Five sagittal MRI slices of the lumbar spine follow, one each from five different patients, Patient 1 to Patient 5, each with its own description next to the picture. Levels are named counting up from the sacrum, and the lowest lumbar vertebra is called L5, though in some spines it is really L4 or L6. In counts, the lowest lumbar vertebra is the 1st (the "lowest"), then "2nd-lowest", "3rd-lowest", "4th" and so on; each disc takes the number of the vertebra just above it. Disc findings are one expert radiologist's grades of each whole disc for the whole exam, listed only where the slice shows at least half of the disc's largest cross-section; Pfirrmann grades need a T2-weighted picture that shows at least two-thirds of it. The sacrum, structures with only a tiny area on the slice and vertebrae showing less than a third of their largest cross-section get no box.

Patient 1 of 5:
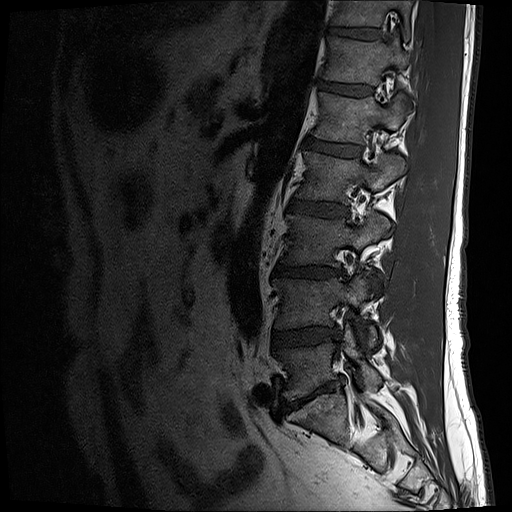 T1-weighted sagittal MRI of the lumbar spine
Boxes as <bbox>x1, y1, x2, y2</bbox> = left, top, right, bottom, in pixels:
3rd-lowest disc at <bbox>273, 265, 345, 278</bbox>, 5th vertebra at <bbox>313, 92, 403, 145</bbox>, 2nd-lowest disc at <bbox>272, 326, 338, 347</bbox>, 2nd-lowest vertebra at <bbox>272, 276, 377, 347</bbox>, lowest vertebra at <bbox>275, 326, 381, 399</bbox>, 6th vertebra at <bbox>322, 37, 406, 85</bbox>, 4th vertebra at <bbox>294, 150, 403, 204</bbox>, lowest disc at <bbox>286, 379, 338, 407</bbox>, 3rd-lowest vertebra at <bbox>281, 212, 389, 266</bbox>, 7th vertebra at <bbox>330, 0, 412, 39</bbox>, 4th disc at <bbox>287, 199, 347, 217</bbox>, 7th disc at <bbox>326, 27, 381, 41</bbox>, 6th disc at <bbox>318, 82, 374, 95</bbox>, 5th disc at <bbox>305, 138, 361, 157</bbox>.

Degenerative findings by level:
- 3rd-lowest disc: disc bulging, lower-endplate change, disc narrowing
- 2nd-lowest disc: disc narrowing, disc bulging
- 4th disc: disc bulging
- 6th disc, 5th disc, 7th disc: no spondylolisthesis, narrowing, bulging, herniation, Modic or endplate change recorded

Patient 2 of 5:
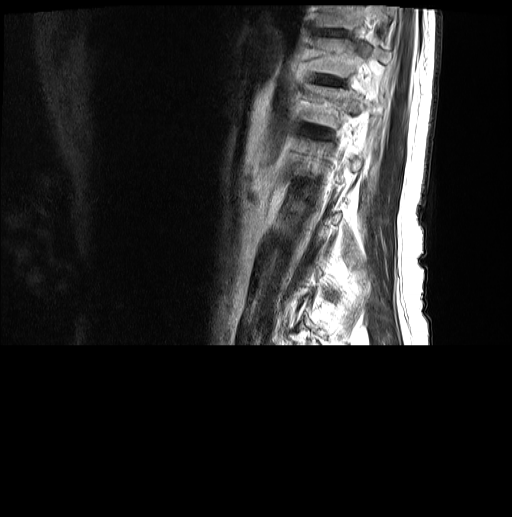 Lumbar spine MR, T2-weighted, sagittal; 512x517 px

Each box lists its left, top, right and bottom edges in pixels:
7th disc — left=318, top=75, right=338, bottom=84.
8th vertebra — left=319, top=7, right=398, bottom=29.
7th vertebra — left=315, top=38, right=393, bottom=76.
8th disc — left=316, top=29, right=345, bottom=36.

Patient 3 of 5:
Sex M, Slice 13 of 24, Sagittal T1-weighted lumbar spine MRI, 448x448 px

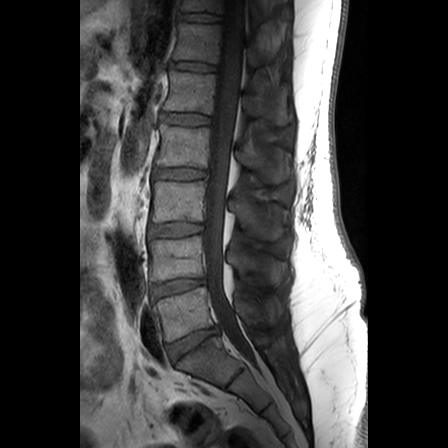

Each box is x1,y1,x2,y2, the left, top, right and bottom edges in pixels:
L1 (5th vertebra) at 163,71,292,124; IVD T11/T12 (7th disc) at 179,12,220,21; L4 (2nd-lowest vertebra) at 148,236,285,283; L1/L2 (5th disc) at 160,113,209,125; L3 (3rd-lowest vertebra) at 151,181,282,240; T12/L1 (6th disc) at 171,61,214,71; T11 (7th vertebra) at 181,0,263,20; L4/L5 (2nd-lowest disc) at 151,278,204,298; IVD L5/S1 (lowest disc) at 167,327,218,361; L2 (4th vertebra) at 155,125,290,183; L2/L3 (4th disc) at 153,168,206,179; thecal sac / spinal canal at 203,0,252,359; L5 (lowest vertebra) at 152,287,281,342; T12 (6th vertebra) at 173,23,266,67; IVD L3/L4 (3rd-lowest disc) at 149,222,201,236.

Per-level radiological findings:
• L5/S1 (lowest disc): disc bulging
• L2/L3 (4th disc): disc bulging
• T11/T12 (7th disc), T12/L1 (6th disc), L1/L2 (5th disc), L3/L4 (3rd-lowest disc), L4/L5 (2nd-lowest disc): no Modic or endplate change, herniation, narrowing, bulging or spondylolisthesis recorded

Patient 4 of 5:
Image 512x640; Slice 42 of 120; Sagittal T2 SPACE (3D) lumbar spine MRI

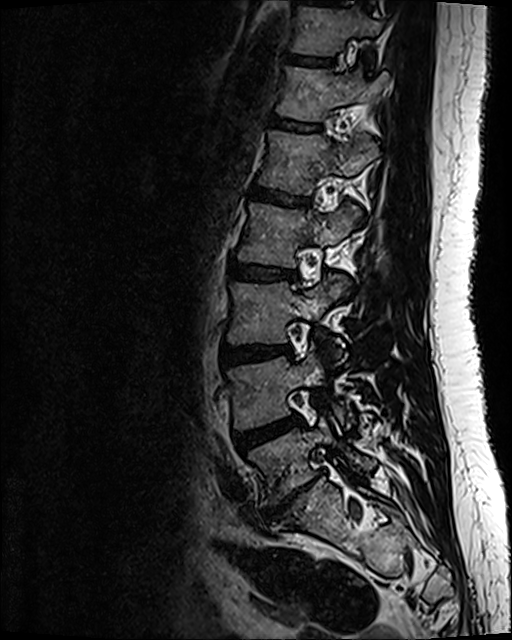

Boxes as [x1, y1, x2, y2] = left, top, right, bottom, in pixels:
Annotations:
- T11/T12 at [288, 55, 331, 65]
- intervertebral disc L5/S1 at [261, 477, 317, 522]
- T11 vertebra at [294, 9, 381, 55]
- T12/L1 at [271, 116, 318, 131]
- L4 at [229, 350, 344, 427]
- L1 vertebra at [260, 132, 378, 193]
- L5 vertebra at [249, 419, 374, 505]
- intervertebral disc L3/L4 at [224, 346, 291, 365]
- L2 vertebra at [239, 205, 361, 266]
- L2/L3 at [232, 261, 297, 281]
- intervertebral disc L1/L2 at [251, 189, 307, 206]
- T12 at [278, 67, 383, 120]
- L3 vertebra at [228, 277, 348, 343]
- intervertebral disc L4/L5 at [235, 416, 300, 450]

Degenerative findings by level:
- T12/L1: Pfirrmann grade 2
- L4/L5: disc bulging
- L1/L2: Pfirrmann grade 2
- L2/L3: Pfirrmann grade 2
- L3/L4: disc bulging

Patient 5 of 5:
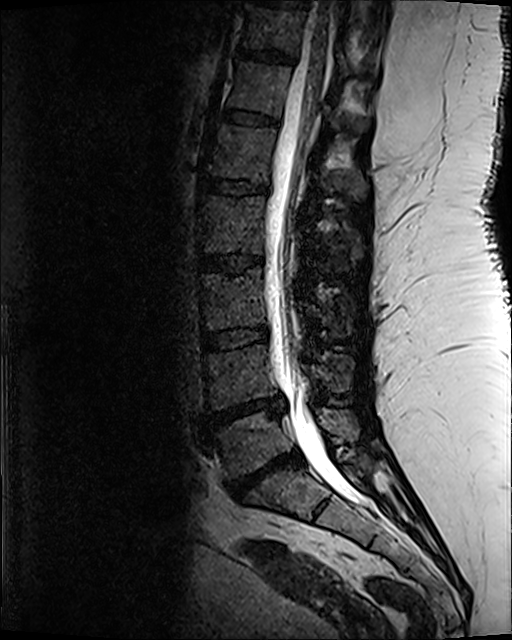

MRI lumbar spine (T2 SPACE (3D)), sagittal plane
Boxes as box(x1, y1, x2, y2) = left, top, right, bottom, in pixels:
L1/L2 (5th disc) at box(205, 177, 267, 194).
L2 (4th vertebra) at box(199, 197, 362, 270).
T10/T11 (8th disc) at box(256, 0, 309, 8).
T11 (7th vertebra) at box(244, 6, 348, 72).
L1 (5th vertebra) at box(212, 124, 367, 201).
L4 (2nd-lowest vertebra) at box(205, 346, 353, 409).
Disc L3/L4 (3rd-lowest disc) at box(201, 329, 268, 350).
Thecal sac / spinal canal at box(265, 1, 368, 505).
Disc L4/L5 (2nd-lowest disc) at box(209, 398, 284, 423).
T12 (6th vertebra) at box(229, 63, 366, 132).
L2/L3 (4th disc) at box(198, 255, 262, 273).
L3 (3rd-lowest vertebra) at box(199, 270, 351, 336).
L5/S1 (lowest disc) at box(227, 453, 301, 499).
T12/L1 (6th disc) at box(223, 109, 275, 123).
L5 (lowest vertebra) at box(207, 409, 359, 476).
T11/T12 (7th disc) at box(239, 51, 291, 63).

Per-level radiological findings:
- T11/T12 (7th disc): Pfirrmann grade 3, lower-endplate change
- L5/S1 (lowest disc): Pfirrmann grade 5, disc narrowing, Modic type II, lower-endplate change, disc herniation, upper-endplate change
- L4/L5 (2nd-lowest disc): Pfirrmann grade 5, disc narrowing, upper-endplate change, lower-endplate change, Modic type II, disc herniation
- T12/L1 (6th disc): Pfirrmann grade 3
- L3/L4 (3rd-lowest disc): Pfirrmann grade 3
- L2/L3 (4th disc): Pfirrmann grade 3, upper-endplate change, lower-endplate change
- L1/L2 (5th disc): Pfirrmann grade 3, lower-endplate change